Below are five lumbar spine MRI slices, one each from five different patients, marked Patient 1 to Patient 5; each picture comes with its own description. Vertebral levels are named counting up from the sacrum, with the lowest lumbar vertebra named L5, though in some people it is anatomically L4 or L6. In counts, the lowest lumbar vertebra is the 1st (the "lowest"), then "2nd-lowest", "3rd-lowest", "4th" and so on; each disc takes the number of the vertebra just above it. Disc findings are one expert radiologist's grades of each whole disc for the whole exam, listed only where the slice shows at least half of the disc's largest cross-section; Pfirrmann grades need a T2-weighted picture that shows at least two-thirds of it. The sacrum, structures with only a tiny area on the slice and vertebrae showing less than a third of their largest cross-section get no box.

Patient 1 of 5:
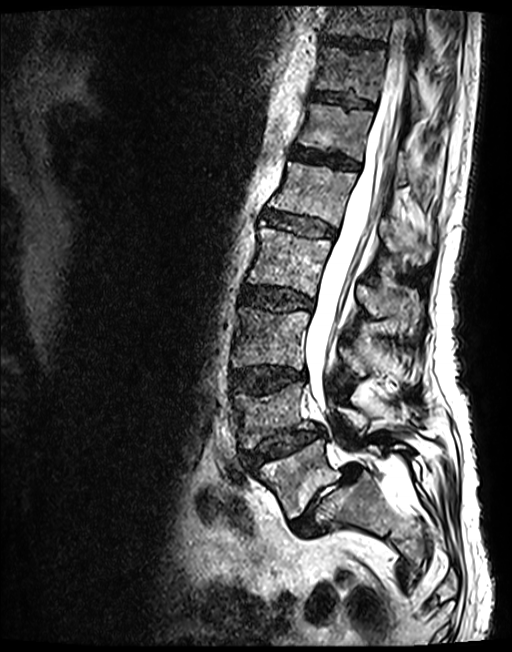
Lumbar spine MR, T2 SPACE (3D), sagittal

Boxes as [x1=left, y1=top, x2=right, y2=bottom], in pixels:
L4: [x1=232, y1=385, x2=408, y2=448]
T11 vertebra: [x1=317, y1=47, x2=418, y2=117]
disc T11/T12: [x1=311, y1=92, x2=372, y2=107]
T10: [x1=326, y1=6, x2=424, y2=41]
T12: [x1=299, y1=104, x2=406, y2=184]
disc L2/L3: [x1=242, y1=287, x2=311, y2=309]
L1 vertebra: [x1=270, y1=162, x2=430, y2=262]
L5/S1: [x1=291, y1=464, x2=358, y2=535]
L5 vertebra: [x1=254, y1=439, x2=412, y2=518]
L3 vertebra: [x1=232, y1=307, x2=410, y2=375]
L1/L2: [x1=265, y1=212, x2=334, y2=237]
L2: [x1=248, y1=223, x2=422, y2=327]
disc T10/T11: [x1=322, y1=35, x2=384, y2=49]
disc L3/L4: [x1=230, y1=366, x2=305, y2=393]
disc L4/L5: [x1=242, y1=427, x2=323, y2=468]
disc T12/L1: [x1=292, y1=147, x2=358, y2=169]
spinal canal: [x1=305, y1=40, x2=404, y2=468]

Expert MSK radiologist gradings (per disc):
- T10/T11: Pfirrmann grade 3
- L5/S1: Pfirrmann grade 5, Modic type II, spondylolisthesis, disc herniation, disc narrowing
- L2/L3: Pfirrmann grade 3, disc bulging
- L4/L5: Pfirrmann grade 3, spondylolisthesis, disc herniation, lower-endplate change, upper-endplate change, disc narrowing
- L3/L4: Pfirrmann grade 3, upper-endplate change, lower-endplate change, disc bulging
- T12/L1: Pfirrmann grade 3
- L1/L2: Pfirrmann grade 3
- T11/T12: Pfirrmann grade 3

Patient 2 of 5:
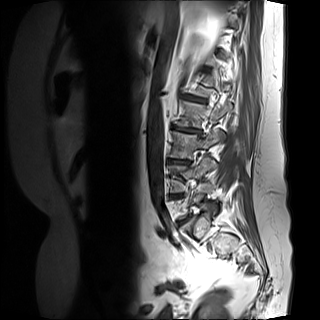 Sagittal slice index 1 | 320x320 px | Sagittal T1-weighted lumbar spine MRI | Patient sex: F

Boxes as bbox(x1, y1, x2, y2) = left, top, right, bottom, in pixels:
Structures:
- IVD L1/L2: bbox(185, 95, 206, 102)
- L2/L3: bbox(173, 126, 200, 133)
- L2: bbox(177, 100, 232, 127)
- L3/L4: bbox(168, 159, 190, 164)
- L3 vertebra: bbox(169, 131, 224, 158)
- L4: bbox(168, 158, 216, 191)

Radiological gradings:
- L1/L2: disc bulging, lower-endplate change, disc narrowing, upper-endplate change, Modic type II
- L3/L4: disc bulging, Modic type II, disc narrowing, upper-endplate change, lower-endplate change
- L2/L3: lower-endplate change, upper-endplate change, disc bulging, disc narrowing, Modic type II

Patient 3 of 5:
Scanner: Philips Healthcare Ingenia (3T) | Lumbar spine MR, T2-weighted, sagittal | Slice 13/27 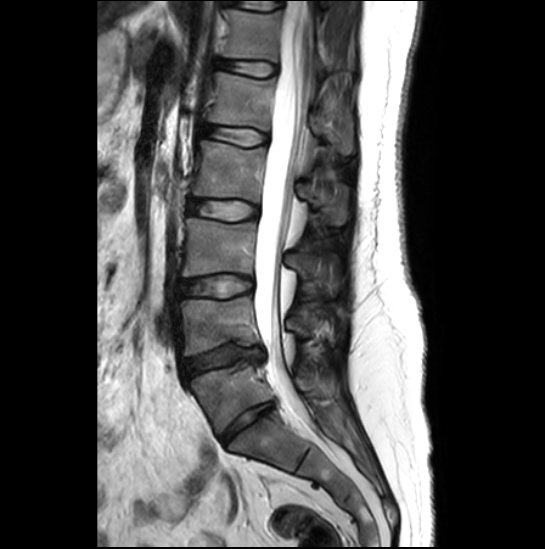
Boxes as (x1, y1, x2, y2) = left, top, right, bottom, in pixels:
- L2 (4th vertebra): (193, 141, 347, 225)
- L5 (lowest vertebra): (191, 361, 334, 434)
- T12/L1 (6th disc): (217, 59, 276, 76)
- L4 (2nd-lowest vertebra): (180, 295, 327, 355)
- L3 (3rd-lowest vertebra): (182, 218, 337, 292)
- L3/L4 (3rd-lowest disc): (180, 275, 251, 297)
- spinal canal: (254, 0, 312, 422)
- intervertebral disc L2/L3 (4th disc): (187, 199, 257, 220)
- L1 (5th vertebra): (207, 72, 353, 154)
- L4/L5 (2nd-lowest disc): (184, 343, 263, 375)
- L1/L2 (5th disc): (203, 125, 267, 145)
- L5/S1 (lowest disc): (220, 402, 273, 443)
- T12 (6th vertebra): (224, 9, 329, 80)

Degenerative findings by level:
  L2/L3 (4th disc): Pfirrmann grade 4
  L5/S1 (lowest disc): Pfirrmann grade 3, disc narrowing
  L1/L2 (5th disc): Pfirrmann grade 1
  T12/L1 (6th disc): Pfirrmann grade 1
  L3/L4 (3rd-lowest disc): Pfirrmann grade 2
  L4/L5 (2nd-lowest disc): Pfirrmann grade 1, disc herniation, Modic type II, disc narrowing, lower-endplate change, upper-endplate change

Patient 4 of 5:
T2-weighted sagittal MRI of the lumbar spine; Scanner: SIEMENS Aera (1.5T); Slice 3 of 15; Field of view 280x280 mm, slice spacing 4.8 mm

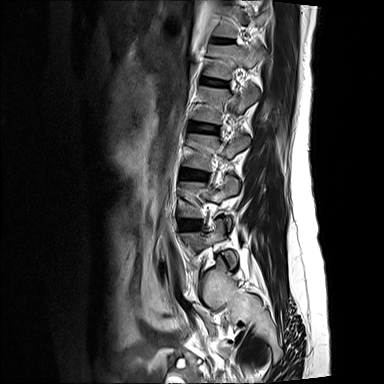
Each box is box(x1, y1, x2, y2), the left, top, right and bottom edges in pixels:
Intervertebral disc L2/L3 (4th disc) = box(191, 123, 218, 133).
L3/L4 (3rd-lowest disc) = box(180, 169, 207, 180).
L4 (2nd-lowest vertebra) = box(181, 176, 239, 229).
Intervertebral disc L4/L5 (2nd-lowest disc) = box(179, 219, 200, 229).
L1 (5th vertebra) = box(206, 44, 265, 79).
L3 (3rd-lowest vertebra) = box(184, 134, 250, 170).
L1/L2 (5th disc) = box(202, 77, 227, 85).
T12/L1 (6th disc) = box(216, 39, 233, 43).
L5 (lowest vertebra) = box(182, 219, 237, 269).
L2 (4th vertebra) = box(195, 86, 259, 124).

Expert MSK radiologist gradings (per disc):
• L1/L2 (5th disc), L2/L3 (4th disc), L3/L4 (3rd-lowest disc): no Modic or endplate change, herniation, narrowing, bulging or spondylolisthesis recorded

Patient 5 of 5:
SIEMENS Avanto_fit (1.5T), Image 512x640, T2 SPACE (3D) sagittal MRI of the lumbar spine, Slice 49 of 120 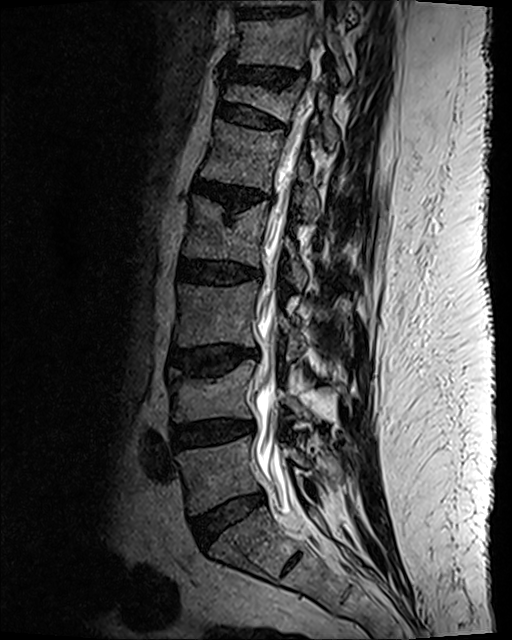
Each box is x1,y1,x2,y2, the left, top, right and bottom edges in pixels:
Annotations:
* disc T12/L1 at 218,103,283,129
* L1 at 201,121,319,222
* L5 vertebra at 177,437,341,514
* disc L3/L4 at 170,346,258,374
* L2 vertebra at 184,198,306,290
* L3 vertebra at 175,281,304,360
* L4/L5 at 172,421,248,448
* disc L1/L2 at 194,181,257,213
* T11 at 236,15,349,84
* L2/L3 at 179,260,260,285
* T11/T12 at 228,68,303,88
* T10/T11 at 240,10,300,19
* L4 at 168,360,304,422
* T12 vertebra at 224,77,338,149
* thecal sac / spinal canal at 254,106,313,510
* L5/S1 at 192,490,265,544

Expert MSK radiologist gradings (per disc):
- T11/T12: Pfirrmann grade 2, lower-endplate change, disc narrowing, disc bulging, upper-endplate change
- L4/L5: Pfirrmann grade 3, disc bulging, disc narrowing
- L5/S1: Pfirrmann grade 2, disc bulging
- T12/L1: Pfirrmann grade 2, spondylolisthesis, upper-endplate change, lower-endplate change, disc bulging
- L2/L3: Pfirrmann grade 3, lower-endplate change, disc bulging
- L1/L2: Pfirrmann grade 3, Modic type II, upper-endplate change, disc narrowing, lower-endplate change, disc bulging
- L3/L4: Pfirrmann grade 3, lower-endplate change, Modic type II, disc bulging, upper-endplate change